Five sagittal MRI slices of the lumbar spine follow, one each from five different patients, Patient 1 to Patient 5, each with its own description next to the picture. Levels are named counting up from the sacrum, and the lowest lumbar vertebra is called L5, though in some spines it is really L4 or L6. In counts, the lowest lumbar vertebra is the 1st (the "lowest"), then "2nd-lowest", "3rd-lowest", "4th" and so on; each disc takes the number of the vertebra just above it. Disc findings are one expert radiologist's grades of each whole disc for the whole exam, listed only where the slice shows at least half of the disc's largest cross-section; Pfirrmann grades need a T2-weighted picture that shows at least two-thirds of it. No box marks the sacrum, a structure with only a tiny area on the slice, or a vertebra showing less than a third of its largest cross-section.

Patient 1 of 5:
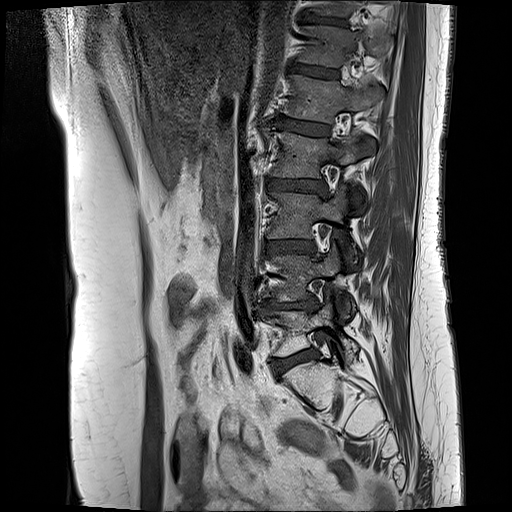 Lumbar spine MR, T1-weighted, sagittal
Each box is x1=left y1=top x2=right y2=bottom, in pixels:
5th disc = x1=275 y1=116 x2=330 y2=134.
3rd-lowest disc = x1=267 y1=240 x2=315 y2=253.
4th disc = x1=267 y1=178 x2=326 y2=192.
4th vertebra = x1=272 y1=132 x2=374 y2=177.
7th disc = x1=307 y1=17 x2=346 y2=24.
6th disc = x1=292 y1=65 x2=339 y2=77.
6th vertebra = x1=301 y1=26 x2=390 y2=66.
2nd-lowest disc = x1=257 y1=298 x2=317 y2=313.
5th vertebra = x1=285 y1=75 x2=382 y2=123.
2nd-lowest vertebra = x1=260 y1=244 x2=351 y2=317.
3rd-lowest vertebra = x1=269 y1=186 x2=354 y2=258.
Lowest disc = x1=273 y1=348 x2=318 y2=375.
Lowest vertebra = x1=268 y1=302 x2=358 y2=357.

Degenerative findings by level:
  6th disc: Modic type II
  4th disc: Modic type II, disc bulging
  3rd-lowest disc: Modic type II, disc bulging
  5th disc: Modic type II

Patient 2 of 5:
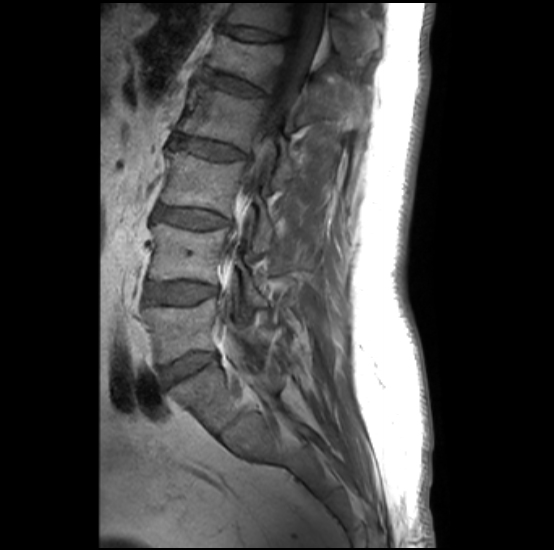
Sagittal slice index 19, T1-weighted sagittal MRI of the lumbar spine

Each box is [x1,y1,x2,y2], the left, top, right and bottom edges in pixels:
L4 (2nd-lowest vertebra) at [151,223,263,304], IVD L3/L4 (3rd-lowest disc) at [157,205,231,228], T12/L1 (6th disc) at [220,23,284,41], T12 (6th vertebra) at [227,3,370,53], spinal canal at [245,3,323,210], L5 (lowest vertebra) at [146,298,263,363], L1 (5th vertebra) at [207,34,370,125], L3 (3rd-lowest vertebra) at [162,149,274,254], L5/S1 (lowest disc) at [160,353,213,384], L2/L3 (4th disc) at [173,134,247,159], L1/L2 (5th disc) at [204,70,265,95], L2 (4th vertebra) at [178,80,297,187], L4/L5 (2nd-lowest disc) at [149,282,216,304].

Radiological gradings:
- L1/L2 (5th disc): upper-endplate change, lower-endplate change, Modic type II
- L2/L3 (4th disc): upper-endplate change, lower-endplate change, Modic type II
- T12/L1 (6th disc): spondylolisthesis, upper-endplate change
- L3/L4 (3rd-lowest disc): lower-endplate change, Modic type II, upper-endplate change
- L4/L5 (2nd-lowest disc): lower-endplate change, Modic type II, upper-endplate change
- L5/S1 (lowest disc): no Modic or endplate change, herniation, narrowing, bulging or spondylolisthesis recorded

Patient 3 of 5:
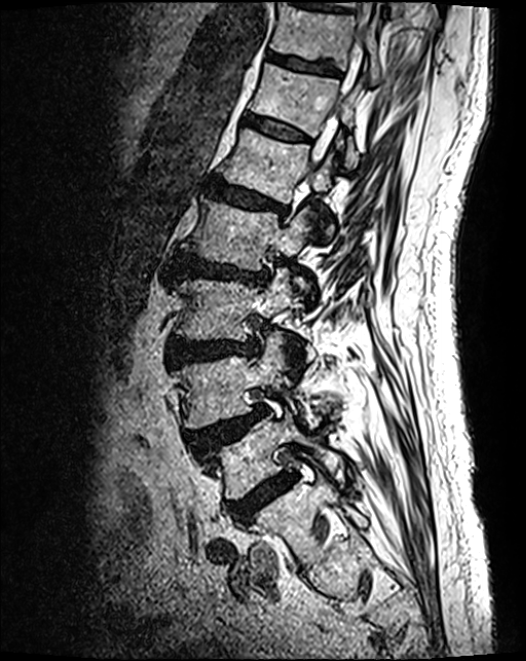 Field of view 240x302 mm; MRI lumbar spine (T2 SPACE (3D)), sagittal plane
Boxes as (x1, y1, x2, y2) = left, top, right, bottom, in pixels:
{"T12 (6th vertebra)": "(250, 64, 360, 167)", "T11/T12 (7th disc)": "(267, 53, 339, 75)", "L2 (4th vertebra)": "(183, 198, 312, 294)", "T12/L1 (6th disc)": "(245, 115, 308, 142)", "L5 (lowest vertebra)": "(203, 413, 341, 501)", "IVD L4/L5 (2nd-lowest disc)": "(189, 407, 267, 452)", "L4 (2nd-lowest vertebra)": "(177, 334, 320, 429)", "thecal sac / spinal canal": "(312, 1, 377, 164)", "L3/L4 (3rd-lowest disc)": "(169, 341, 257, 364)", "L2/L3 (4th disc)": "(174, 253, 268, 286)", "IVD L5/S1 (lowest disc)": "(229, 473, 296, 524)", "L1/L2 (5th disc)": "(205, 179, 287, 216)", "L3 (3rd-lowest vertebra)": "(174, 269, 303, 366)", "T11 (7th vertebra)": "(270, 3, 381, 84)", "L1 (5th vertebra)": "(219, 128, 333, 237)"}

Degenerative findings by level:
• L3/L4 (3rd-lowest disc): Pfirrmann grade 4, disc bulging
• L1/L2 (5th disc): Pfirrmann grade 4, disc bulging, lower-endplate change, upper-endplate change
• T11/T12 (7th disc): Pfirrmann grade 3, lower-endplate change
• L2/L3 (4th disc): Pfirrmann grade 4, upper-endplate change, disc narrowing, lower-endplate change, disc bulging
• T12/L1 (6th disc): Pfirrmann grade 3
• L4/L5 (2nd-lowest disc): Pfirrmann grade 4, disc herniation, upper-endplate change, spondylolisthesis
• L5/S1 (lowest disc): Pfirrmann grade 4

Patient 4 of 5:
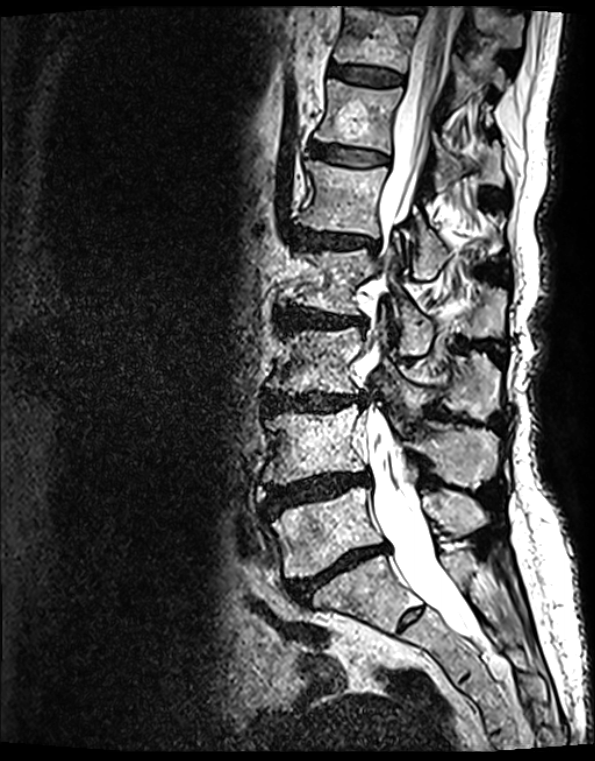 Image 595x761 | Sagittal T2 SPACE (3D) lumbar spine MRI

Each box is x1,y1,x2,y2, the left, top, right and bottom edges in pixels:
{"L4/L5": "267,472,369,511", "L3/L4": "265,393,365,412", "T12 vertebra": "315,80,502,188", "spinal canal": "363,8,474,636", "T12/L1": "312,144,384,166", "T11": "334,8,506,100", "intervertebral disc T11/T12": "329,65,401,87", "intervertebral disc L5/S1": "289,545,386,602", "L4 vertebra": "265,405,497,488", "L2 vertebra": "292,250,506,356", "L1 vertebra": "300,162,504,279", "L5 vertebra": "273,487,484,578", "L2/L3": "279,309,363,327", "intervertebral disc L1/L2": "294,229,372,247", "L3": "270,328,500,418"}

Radiological gradings:
- L1/L2: Pfirrmann grade 4, disc narrowing, lower-endplate change, upper-endplate change, Modic type II, disc bulging
- L4/L5: Pfirrmann grade 4, disc narrowing, disc bulging, upper-endplate change, disc herniation, Modic type II, lower-endplate change
- L5/S1: Pfirrmann grade 5, disc bulging, disc narrowing, Modic type II, upper-endplate change, lower-endplate change
- T12/L1: Pfirrmann grade 2, lower-endplate change, Modic type II, upper-endplate change
- T11/T12: Pfirrmann grade 2, Modic type II, lower-endplate change, upper-endplate change
- L2/L3: Modic type II, disc narrowing, upper-endplate change, disc bulging, lower-endplate change
- L3/L4: Pfirrmann grade 4, lower-endplate change, disc narrowing, upper-endplate change, Modic type II, disc bulging

Patient 5 of 5:
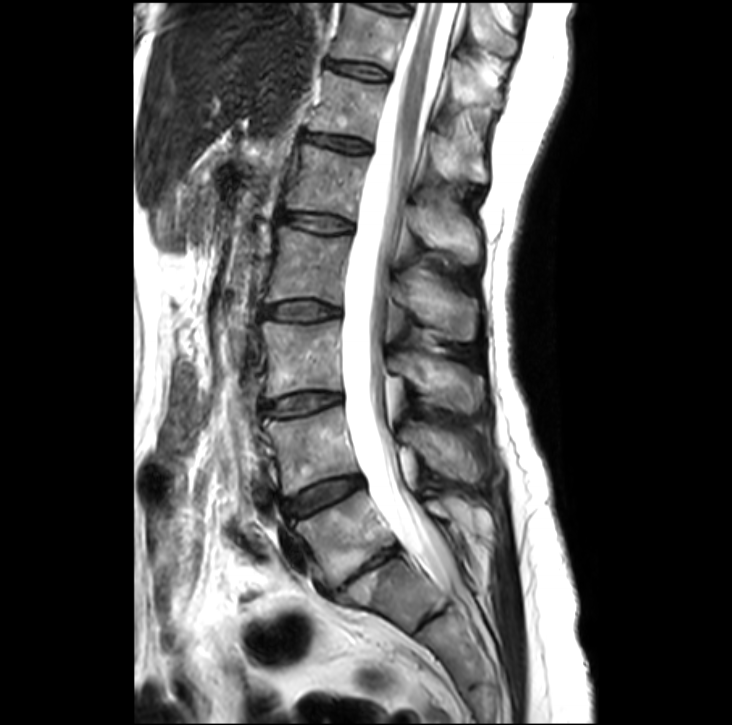
MRI lumbar spine (T2-weighted), sagittal plane
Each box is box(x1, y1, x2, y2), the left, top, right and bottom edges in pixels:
{"2nd-lowest disc": "box(282, 477, 362, 517)", "7th vertebra": "box(331, 3, 503, 109)", "5th vertebra": "box(286, 145, 480, 262)", "7th disc": "box(329, 61, 387, 79)", "3rd-lowest vertebra": "box(261, 320, 483, 411)", "2nd-lowest vertebra": "box(263, 406, 482, 496)", "6th disc": "box(302, 133, 368, 151)", "6th vertebra": "box(309, 69, 487, 182)", "3rd-lowest disc": "box(264, 393, 340, 416)", "lowest vertebra": "box(295, 491, 459, 587)", "lowest disc": "box(331, 545, 399, 595)", "5th disc": "box(279, 212, 351, 233)", "spinal canal": "box(341, 0, 460, 590)", "4th vertebra": "box(265, 227, 476, 340)", "4th disc": "box(261, 301, 337, 319)"}

Radiological gradings:
• 7th disc: Pfirrmann grade 2
• 3rd-lowest disc: Pfirrmann grade 2, disc bulging
• 2nd-lowest disc: Pfirrmann grade 3, disc bulging
• 5th disc: Pfirrmann grade 2
• lowest disc: Pfirrmann grade 5, upper-endplate change, disc bulging, disc narrowing, Modic type II, lower-endplate change
• 4th disc: Pfirrmann grade 2
• 6th disc: Pfirrmann grade 3